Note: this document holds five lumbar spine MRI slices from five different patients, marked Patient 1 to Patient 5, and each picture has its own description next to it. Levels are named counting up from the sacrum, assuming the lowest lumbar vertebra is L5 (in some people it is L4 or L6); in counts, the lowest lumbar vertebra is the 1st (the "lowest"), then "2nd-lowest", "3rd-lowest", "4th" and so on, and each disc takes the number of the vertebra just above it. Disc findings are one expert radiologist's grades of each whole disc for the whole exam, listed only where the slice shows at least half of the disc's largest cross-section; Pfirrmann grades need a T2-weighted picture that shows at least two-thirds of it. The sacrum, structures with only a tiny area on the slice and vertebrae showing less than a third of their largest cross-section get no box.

Patient 1 of 5:
Lumbar spine MR, T2 SPACE (3D), sagittal | Field of view 240x306 mm 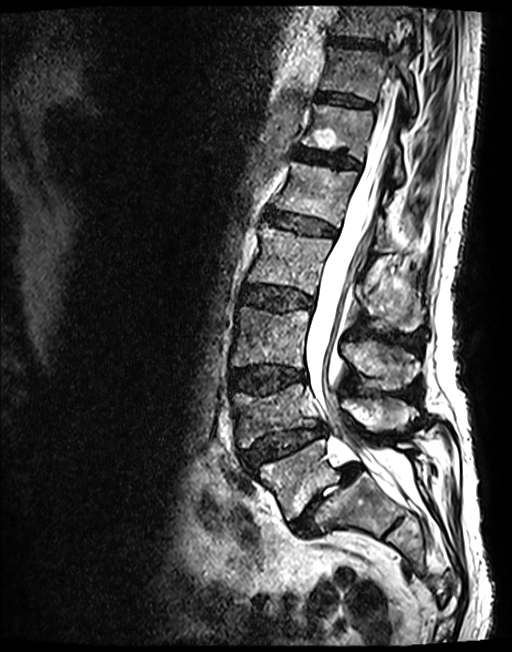 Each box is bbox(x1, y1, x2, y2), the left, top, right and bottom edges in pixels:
Segmented structures:
* 4th disc = bbox(243, 286, 312, 311)
* 8th disc = bbox(328, 37, 383, 48)
* thecal sac / spinal canal = bbox(306, 109, 398, 485)
* 2nd-lowest disc = bbox(241, 426, 325, 468)
* 4th vertebra = bbox(248, 225, 423, 331)
* lowest vertebra = bbox(254, 439, 415, 519)
* 2nd-lowest vertebra = bbox(230, 385, 416, 447)
* 7th vertebra = bbox(321, 47, 416, 115)
* 3rd-lowest vertebra = bbox(231, 306, 418, 387)
* 3rd-lowest disc = bbox(230, 365, 305, 394)
* 8th vertebra = bbox(333, 4, 420, 40)
* 5th vertebra = bbox(275, 162, 389, 252)
* 5th disc = bbox(267, 212, 334, 236)
* 7th disc = bbox(316, 93, 371, 107)
* 6th vertebra = bbox(302, 103, 404, 183)
* 6th disc = bbox(294, 147, 359, 168)
* lowest disc = bbox(291, 462, 360, 536)

Radiological gradings:
  5th disc: Pfirrmann grade 3
  lowest disc: Pfirrmann grade 5, Modic type II, disc herniation, disc narrowing, spondylolisthesis
  6th disc: Pfirrmann grade 3
  3rd-lowest disc: Pfirrmann grade 3, lower-endplate change, upper-endplate change, disc bulging
  2nd-lowest disc: Pfirrmann grade 3, lower-endplate change, spondylolisthesis, disc narrowing, disc herniation, upper-endplate change
  4th disc: Pfirrmann grade 3, disc bulging
  7th disc, 8th disc: no Modic or endplate change, herniation, narrowing, bulging or spondylolisthesis recorded

Patient 2 of 5:
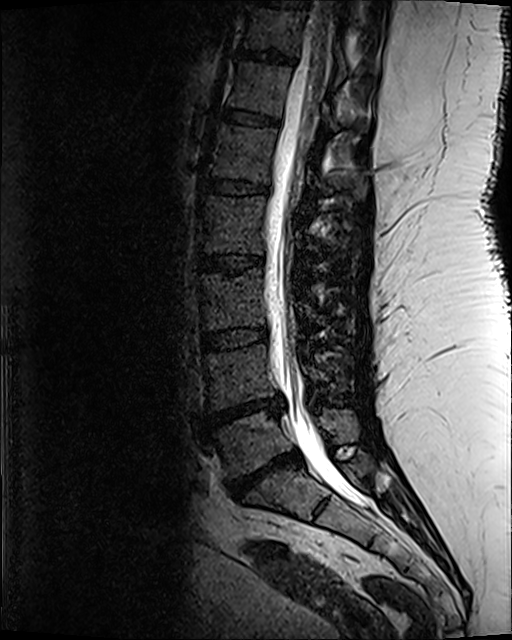 Image 512x640. Slice spacing 0.9 mm. Lumbar spine MR, T2 SPACE (3D), sagittal. Sagittal slice index 63.
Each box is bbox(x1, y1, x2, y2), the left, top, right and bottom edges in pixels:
{"T10/T11": "bbox(257, 0, 309, 8)", "T12/L1": "bbox(223, 109, 277, 123)", "IVD L5/S1": "bbox(227, 454, 300, 499)", "L1": "bbox(212, 124, 366, 200)", "L5": "bbox(206, 409, 359, 476)", "IVD L4/L5": "bbox(210, 399, 282, 423)", "L3/L4": "bbox(201, 329, 267, 350)", "L3": "bbox(199, 269, 347, 335)", "T11/T12": "bbox(239, 51, 291, 63)", "spinal canal": "bbox(265, 1, 368, 505)", "L4 vertebra": "bbox(206, 345, 351, 408)", "L2 vertebra": "bbox(199, 197, 360, 259)", "T11 vertebra": "bbox(244, 7, 346, 73)", "T12": "bbox(229, 63, 365, 130)", "L1/L2": "bbox(205, 177, 268, 194)", "L2/L3": "bbox(198, 255, 262, 273)"}

Expert MSK radiologist gradings (per disc):
• L4/L5: upper-endplate change, Modic type II, disc narrowing, lower-endplate change, disc herniation
• T12/L1: Pfirrmann grade 3
• L3/L4: Pfirrmann grade 3
• L5/S1: Pfirrmann grade 5, Modic type II, disc narrowing, disc herniation, lower-endplate change, upper-endplate change
• T11/T12: Pfirrmann grade 3, lower-endplate change
• L2/L3: Pfirrmann grade 3, lower-endplate change, upper-endplate change
• L1/L2: Pfirrmann grade 3, lower-endplate change

Patient 3 of 5:
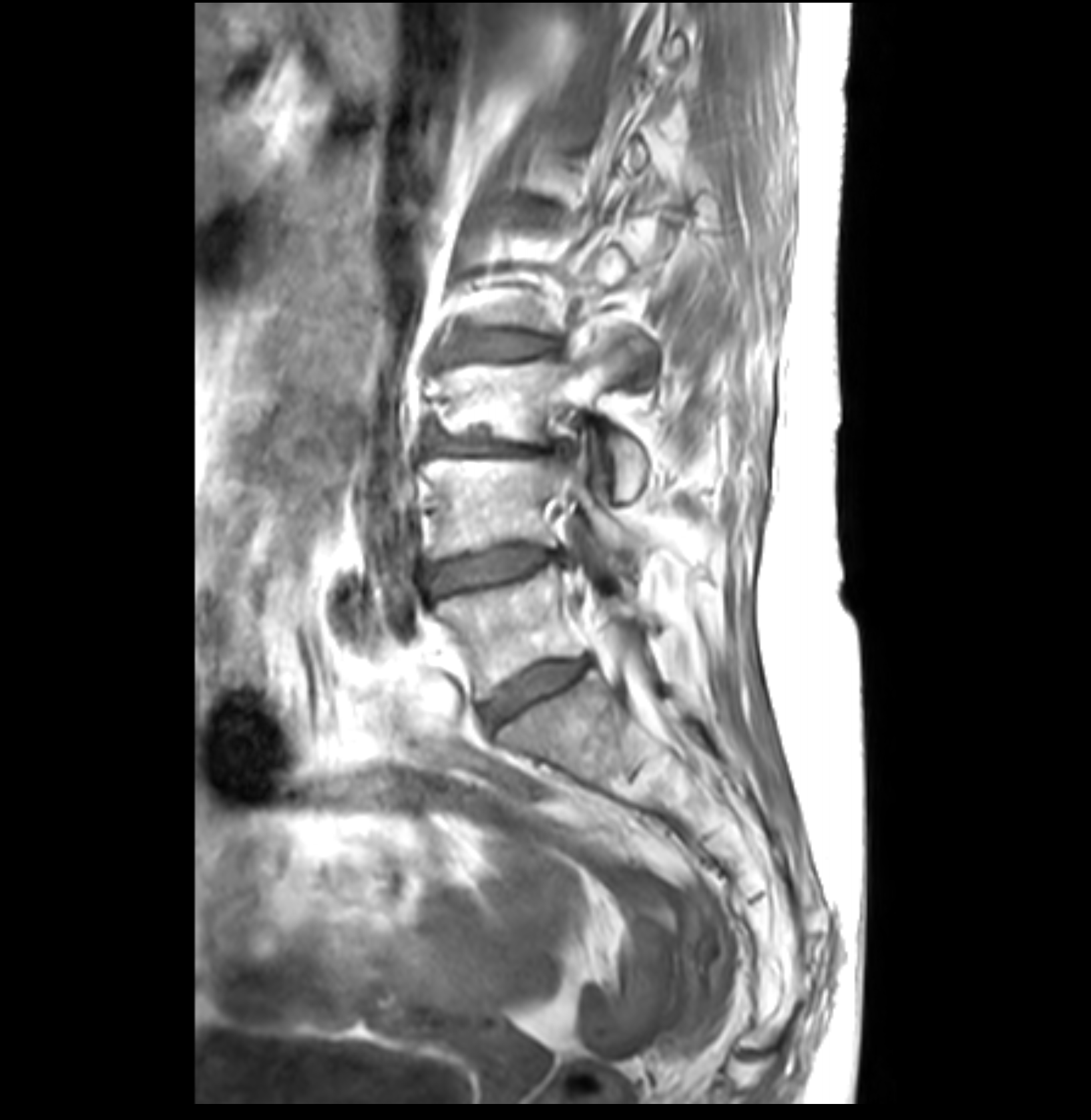 1091x1120 px | Lumbar spine MR, T1-weighted, sagittal
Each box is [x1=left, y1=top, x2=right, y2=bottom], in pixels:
3rd-lowest disc at [x1=424, y1=425, x2=564, y2=455], 2nd-lowest vertebra at [x1=421, y1=455, x2=647, y2=558], lowest vertebra at [x1=436, y1=564, x2=657, y2=699], lowest disc at [x1=482, y1=657, x2=589, y2=727], 2nd-lowest disc at [x1=424, y1=543, x2=562, y2=594], 3rd-lowest vertebra at [x1=441, y1=334, x2=647, y2=504], 5th disc at [x1=521, y1=202, x2=560, y2=226], 4th disc at [x1=439, y1=329, x2=555, y2=362].

Per-level radiological findings:
- 2nd-lowest disc: disc bulging, Modic type II, disc narrowing
- lowest disc: disc bulging
- 4th disc: disc bulging, Modic type II

Patient 4 of 5:
Sex M; Image 512x640; Sagittal T2 SPACE (3D) lumbar spine MRI 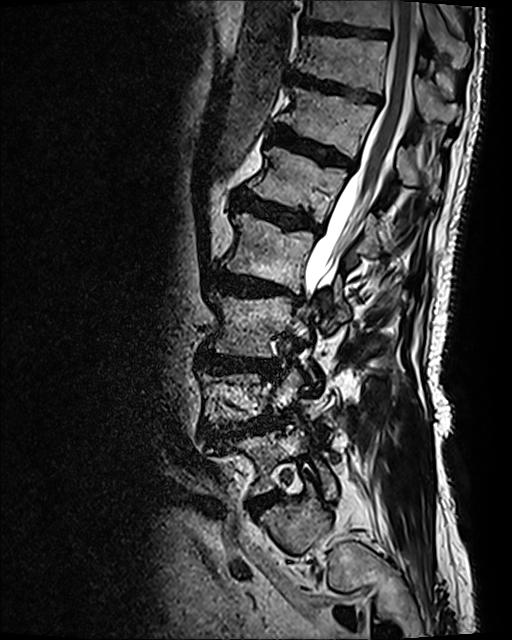
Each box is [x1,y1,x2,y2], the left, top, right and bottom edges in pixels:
Annotations:
• L3/L4 = [198,350,278,375]
• spinal canal = [303,1,418,302]
• L3 = [209,293,317,380]
• disc L5/S1 = [250,493,278,515]
• disc L2/L3 = [211,269,300,302]
• T11 vertebra = [298,35,457,121]
• L4/L5 = [226,422,260,431]
• L2 = [223,212,349,330]
• L5 = [237,427,335,496]
• T12 = [275,87,439,196]
• disc T10/T11 = [301,22,390,39]
• L1 = [249,146,380,255]
• disc L1/L2 = [237,195,318,231]
• T11/T12 = [292,71,380,103]
• T10 vertebra = [302,0,460,54]
• T12/L1 = [272,125,354,168]

Expert MSK radiologist gradings (per disc):
• L2/L3: Pfirrmann grade 4, disc narrowing, lower-endplate change, upper-endplate change, disc bulging, Modic type I
• L1/L2: Pfirrmann grade 4, lower-endplate change, disc bulging, Modic type II, upper-endplate change
• T11/T12: Pfirrmann grade 4, disc bulging, lower-endplate change, upper-endplate change
• T12/L1: Pfirrmann grade 4, disc bulging, Modic type II, lower-endplate change, upper-endplate change
• L3/L4: Pfirrmann grade 4, disc bulging, lower-endplate change, upper-endplate change
• T10/T11: Pfirrmann grade 3

Patient 5 of 5:
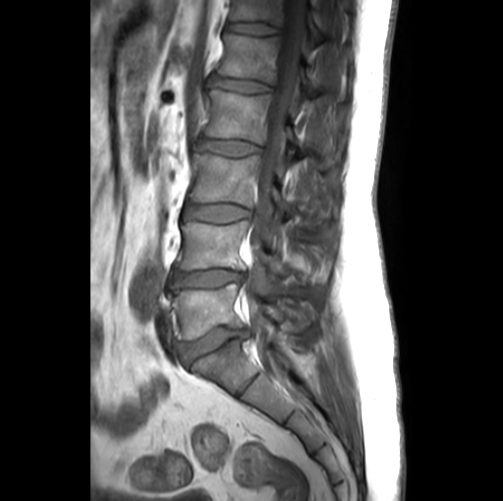
Sagittal T1-weighted lumbar spine MRI, Image 503x501, Field of view 281x280 mm, slice spacing 3.3 mm

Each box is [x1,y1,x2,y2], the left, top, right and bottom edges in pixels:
{"intervertebral disc T12/L1": "[227,22,277,34]", "L3 vertebra": "[191,153,335,219]", "intervertebral disc L5/S1": "[176,327,247,365]", "intervertebral disc L3/L4": "[185,203,250,222]", "L5": "[171,284,315,339]", "thecal sac / spinal canal": "[245,0,305,380]", "intervertebral disc L4/L5": "[169,269,242,288]", "L4": "[178,221,329,280]", "T12": "[231,0,323,44]", "L2 vertebra": "[205,89,299,159]", "L1/L2": "[212,75,270,91]", "L1": "[218,34,314,94]", "L2/L3": "[196,138,260,156]"}

Degenerative findings by level:
• L5/S1: disc bulging, disc narrowing
• L4/L5: disc bulging, lower-endplate change, Modic type II, upper-endplate change, disc narrowing
• T12/L1, L1/L2, L3/L4, L2/L3: no Modic or endplate change, herniation, narrowing, bulging or spondylolisthesis recorded